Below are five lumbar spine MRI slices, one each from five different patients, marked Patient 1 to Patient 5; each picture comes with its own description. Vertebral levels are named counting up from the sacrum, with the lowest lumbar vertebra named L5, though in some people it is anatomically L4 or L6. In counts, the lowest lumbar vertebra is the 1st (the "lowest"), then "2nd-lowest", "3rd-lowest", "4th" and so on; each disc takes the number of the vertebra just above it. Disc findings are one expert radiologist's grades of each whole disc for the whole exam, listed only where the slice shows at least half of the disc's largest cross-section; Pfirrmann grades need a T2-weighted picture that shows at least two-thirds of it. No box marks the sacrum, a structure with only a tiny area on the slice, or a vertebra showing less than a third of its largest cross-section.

Patient 1 of 5:
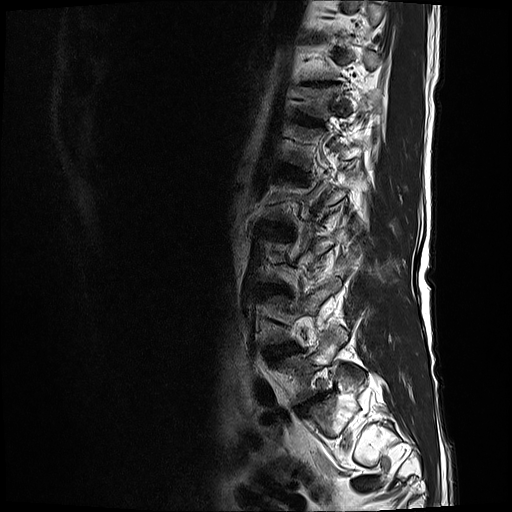

MRI lumbar spine (T2-weighted), sagittal plane | Patient sex: M

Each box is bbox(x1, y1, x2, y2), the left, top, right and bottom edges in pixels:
- 6th vertebra: bbox(306, 86, 380, 112)
- 5th disc: bbox(281, 166, 304, 177)
- 4th disc: bbox(261, 223, 289, 232)
- 6th disc: bbox(301, 116, 319, 123)
- lowest disc: bbox(298, 398, 318, 413)
- lowest vertebra: bbox(283, 327, 347, 402)
- 2nd-lowest disc: bbox(266, 343, 297, 360)
- 7th disc: bbox(312, 81, 327, 85)

Patient 2 of 5:
Patient sex: F, T2 SPACE (3D) sagittal MRI of the lumbar spine

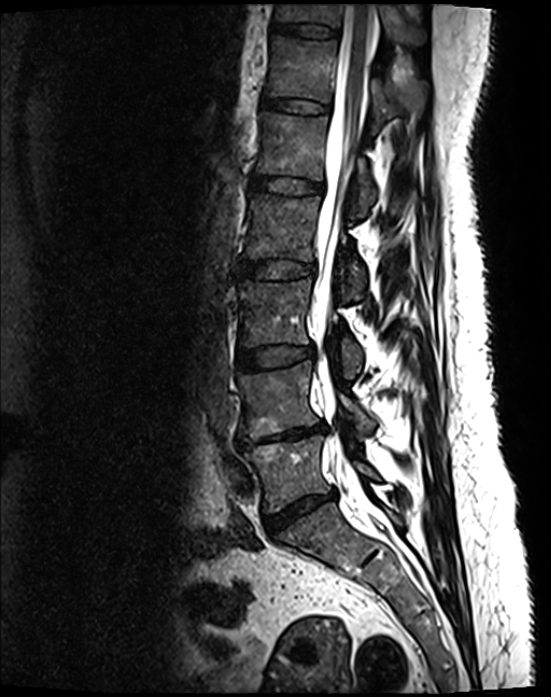
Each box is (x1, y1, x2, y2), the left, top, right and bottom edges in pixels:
IVD T11/T12 at (271, 23, 337, 37), L5 at (244, 435, 380, 512), T12 at (266, 36, 429, 134), L4 vertebra at (236, 361, 375, 438), L2/L3 at (238, 261, 313, 279), T11 at (276, 5, 425, 45), L3 at (238, 280, 362, 375), thecal sac / spinal canal at (312, 5, 374, 490), L5/S1 at (264, 493, 336, 534), L1 at (255, 111, 377, 216), IVD L3/L4 at (238, 345, 313, 371), IVD T12/L1 at (262, 97, 327, 113), IVD L4/L5 at (236, 425, 324, 450), L2 at (243, 192, 366, 299), L1/L2 at (251, 175, 322, 194).

Degenerative findings by level:
• L5/S1: Pfirrmann grade 4, disc narrowing, disc bulging
• L1/L2: Pfirrmann grade 2
• L4/L5: Pfirrmann grade 5, lower-endplate change, disc bulging, Modic type II, disc narrowing, upper-endplate change
• T12/L1: Pfirrmann grade 2
• L2/L3: Pfirrmann grade 2
• L3/L4: Pfirrmann grade 2
• T11/T12: Pfirrmann grade 2

Patient 3 of 5:
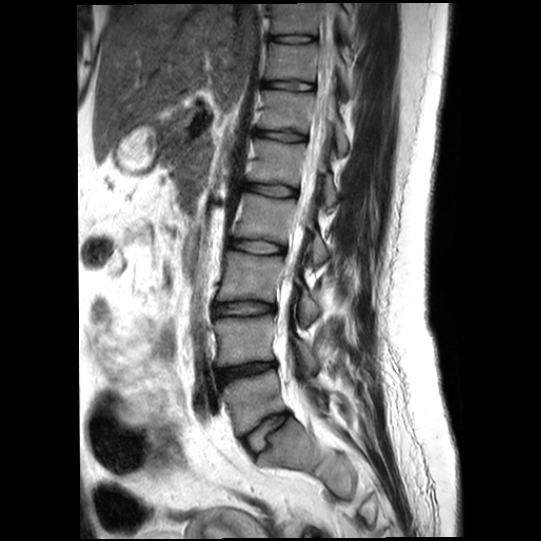 Lumbar spine MR, T2-weighted, sagittal

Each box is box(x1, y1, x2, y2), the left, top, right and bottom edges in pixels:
thecal sac / spinal canal: box(283, 13, 336, 337)
3rd-lowest disc: box(214, 302, 275, 315)
3rd-lowest vertebra: box(217, 251, 320, 325)
lowest vertebra: box(223, 370, 325, 433)
2nd-lowest vertebra: box(215, 314, 318, 372)
6th vertebra: box(259, 90, 347, 155)
4th disc: box(229, 239, 283, 253)
2nd-lowest disc: box(218, 362, 276, 383)
6th disc: box(256, 130, 304, 141)
7th vertebra: box(264, 42, 353, 95)
5th disc: box(242, 183, 296, 196)
4th vertebra: box(231, 193, 328, 266)
5th vertebra: box(248, 139, 337, 207)
lowest disc: box(245, 413, 289, 453)
8th vertebra: box(269, 3, 354, 41)
8th disc: box(269, 35, 314, 43)
7th disc: box(262, 81, 313, 90)

Expert MSK radiologist gradings (per disc):
• 3rd-lowest disc: Pfirrmann grade 2, disc bulging, upper-endplate change, disc narrowing, lower-endplate change
• 8th disc: Pfirrmann grade 1
• 2nd-lowest disc: Pfirrmann grade 5, disc bulging, lower-endplate change, upper-endplate change, disc narrowing
• lowest disc: Pfirrmann grade 2, disc narrowing, upper-endplate change, disc bulging, lower-endplate change
• 6th disc: Pfirrmann grade 1, lower-endplate change
• 7th disc: Pfirrmann grade 1, lower-endplate change
• 4th disc: Pfirrmann grade 1, lower-endplate change
• 5th disc: Pfirrmann grade 1, lower-endplate change

Patient 4 of 5:
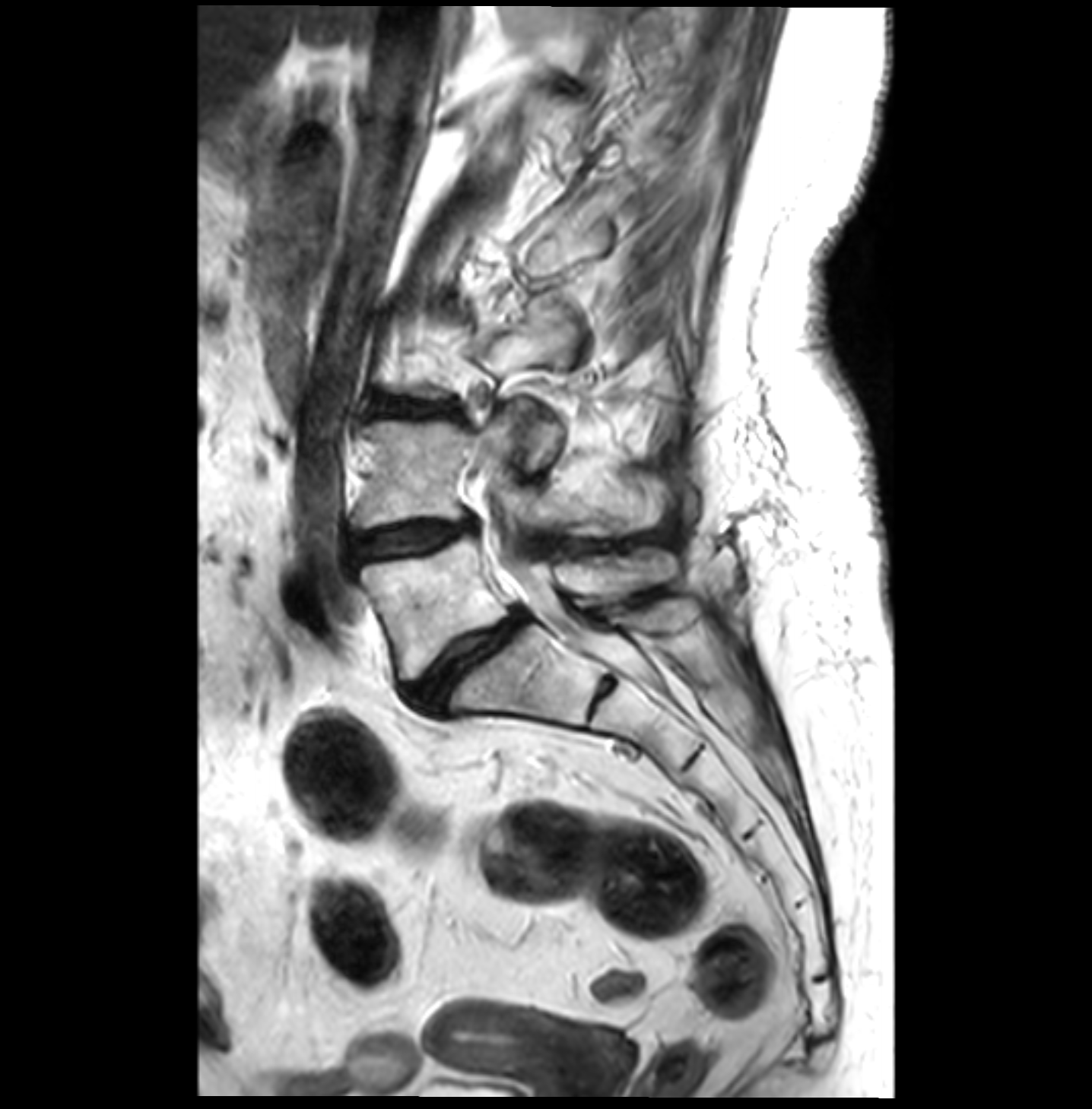
Sagittal slice index 16. Sagittal T2-weighted lumbar spine MRI.
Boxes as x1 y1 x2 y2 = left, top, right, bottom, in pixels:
Structures:
• L4: 354 407 654 528
• L5: 362 534 678 678
• L5/S1: 409 608 526 710
• intervertebral disc L4/L5: 348 521 473 567
• intervertebral disc L3/L4: 378 398 449 415
• thecal sac / spinal canal: 490 528 666 695

Radiological gradings:
- L4/L5: Pfirrmann grade 3, disc narrowing, disc bulging, Modic type II
- L5/S1: Pfirrmann grade 4, disc narrowing, Modic type II, disc bulging, spondylolisthesis

Patient 5 of 5:
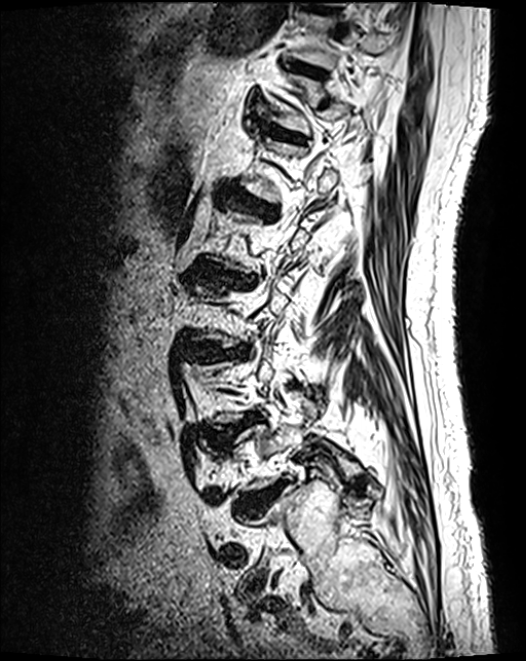
T2 SPACE (3D) sagittal MRI of the lumbar spine | Sex M

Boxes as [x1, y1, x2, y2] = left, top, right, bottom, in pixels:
* 7th disc = [287, 62, 325, 76]
* 6th disc = [262, 126, 301, 142]
* lowest vertebra = [230, 419, 359, 490]
* 3rd-lowest disc = [190, 345, 243, 360]
* 7th vertebra = [288, 13, 395, 67]
* 5th disc = [221, 191, 274, 214]
* 2nd-lowest disc = [215, 416, 257, 442]
* lowest disc = [246, 487, 279, 511]